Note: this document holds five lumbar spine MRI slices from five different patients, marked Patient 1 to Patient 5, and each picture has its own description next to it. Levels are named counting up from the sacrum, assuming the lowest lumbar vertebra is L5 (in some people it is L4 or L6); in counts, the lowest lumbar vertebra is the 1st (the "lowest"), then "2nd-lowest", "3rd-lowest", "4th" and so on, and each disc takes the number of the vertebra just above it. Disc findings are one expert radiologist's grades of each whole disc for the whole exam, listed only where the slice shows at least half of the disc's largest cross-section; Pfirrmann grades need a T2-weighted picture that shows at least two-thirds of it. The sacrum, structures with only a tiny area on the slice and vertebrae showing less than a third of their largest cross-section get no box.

Patient 1 of 5:
Sex F | T2-weighted sagittal MRI of the lumbar spine

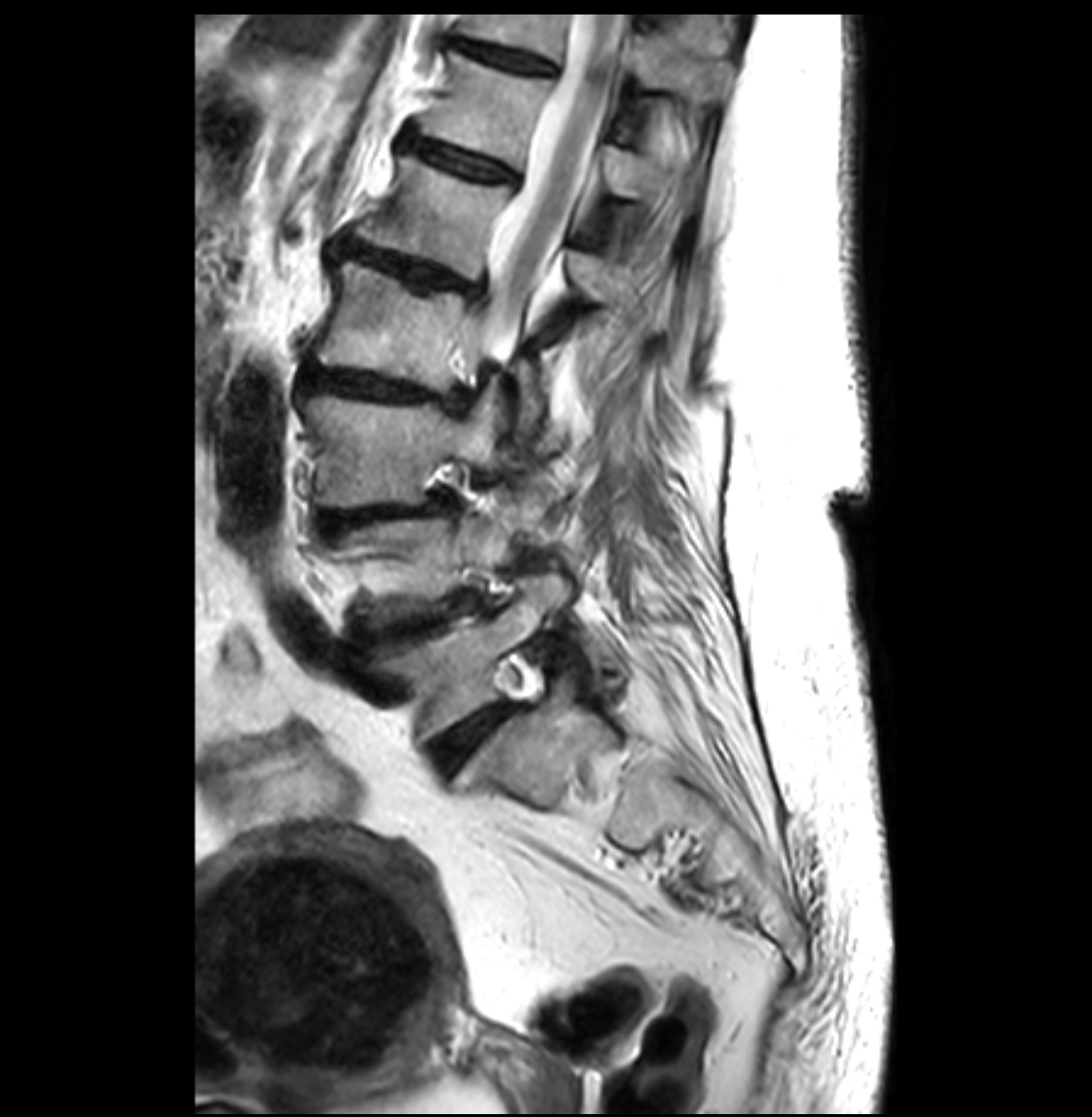
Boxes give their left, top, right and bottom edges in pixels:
Lowest vertebra — left=371, top=576, right=567, bottom=741.
3rd-lowest vertebra — left=300, top=394, right=501, bottom=508.
6th disc — left=405, top=134, right=513, bottom=180.
2nd-lowest vertebra — left=329, top=490, right=540, bottom=630.
6th vertebra — left=419, top=51, right=696, bottom=207.
Lowest disc — left=429, top=703, right=508, bottom=772.
5th disc — left=347, top=244, right=477, bottom=292.
3rd-lowest disc — left=319, top=495, right=452, bottom=531.
2nd-lowest disc — left=356, top=597, right=474, bottom=646.
4th vertebra — left=312, top=260, right=543, bottom=433.
5th vertebra — left=356, top=155, right=633, bottom=302.
7th disc — left=458, top=43, right=553, bottom=72.
4th disc — left=302, top=364, right=470, bottom=403.
7th vertebra — left=461, top=14, right=730, bottom=103.
Thecal sac / spinal canal — left=466, top=15, right=625, bottom=381.

Degenerative findings by level:
  5th disc: disc narrowing, disc bulging, upper-endplate change, lower-endplate change
  4th disc: Pfirrmann grade 4, disc bulging, disc narrowing, lower-endplate change, upper-endplate change
  6th disc: disc bulging, disc narrowing
  2nd-lowest disc: disc narrowing, disc bulging
  7th disc: Pfirrmann grade 4, disc narrowing
  3rd-lowest disc: disc bulging, spondylolisthesis, disc narrowing
  lowest disc: no spondylolisthesis, narrowing, bulging, herniation, Modic or endplate change recorded

Patient 2 of 5:
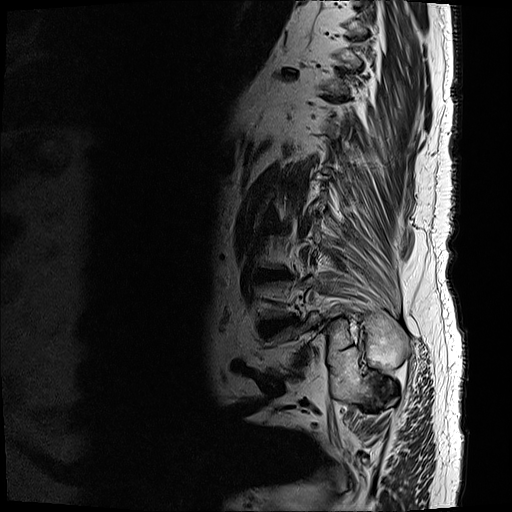 Sagittal slice index 0, MRI lumbar spine (T2-weighted), sagittal plane, Slice spacing 3.3 mm, Sex M
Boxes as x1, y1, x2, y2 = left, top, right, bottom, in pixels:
8th disc: 281, 68, 299, 79
3rd-lowest disc: 259, 270, 290, 280
2nd-lowest disc: 260, 317, 299, 339

Patient 3 of 5:
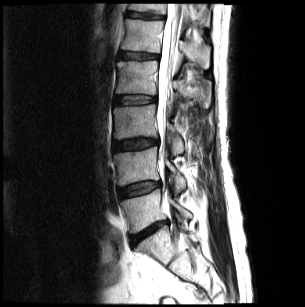 Slice 11 of 24, Field of view 264x266 mm, slice spacing 4.7 mm, MRI lumbar spine (T2-weighted), sagittal plane
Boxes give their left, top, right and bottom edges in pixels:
* 4th vertebra — left=115, top=61, right=210, bottom=106
* 6th vertebra — left=128, top=4, right=210, bottom=26
* lowest vertebra — left=120, top=189, right=191, bottom=232
* thecal sac / spinal canal — left=157, top=4, right=182, bottom=130
* lowest disc — left=131, top=222, right=166, bottom=241
* 2nd-lowest disc — left=119, top=181, right=160, bottom=196
* 2nd-lowest vertebra — left=113, top=146, right=185, bottom=193
* 3rd-lowest disc — left=113, top=138, right=157, bottom=151
* 3rd-lowest vertebra — left=113, top=104, right=183, bottom=154
* 4th disc — left=115, top=95, right=155, bottom=103
* 5th disc — left=119, top=52, right=158, bottom=60
* 6th disc — left=127, top=13, right=163, bottom=18
* 5th vertebra — left=121, top=19, right=209, bottom=67

Degenerative findings by level:
  5th disc: Pfirrmann grade 2, Modic type II, upper-endplate change, lower-endplate change
  lowest disc: Pfirrmann grade 5, disc narrowing, Modic type II, disc bulging, disc herniation
  2nd-lowest disc: Pfirrmann grade 2, disc bulging
  3rd-lowest disc: Pfirrmann grade 3, disc bulging, upper-endplate change
  6th disc: Pfirrmann grade 3, upper-endplate change, lower-endplate change
  4th disc: Pfirrmann grade 2, Modic type II

Patient 4 of 5:
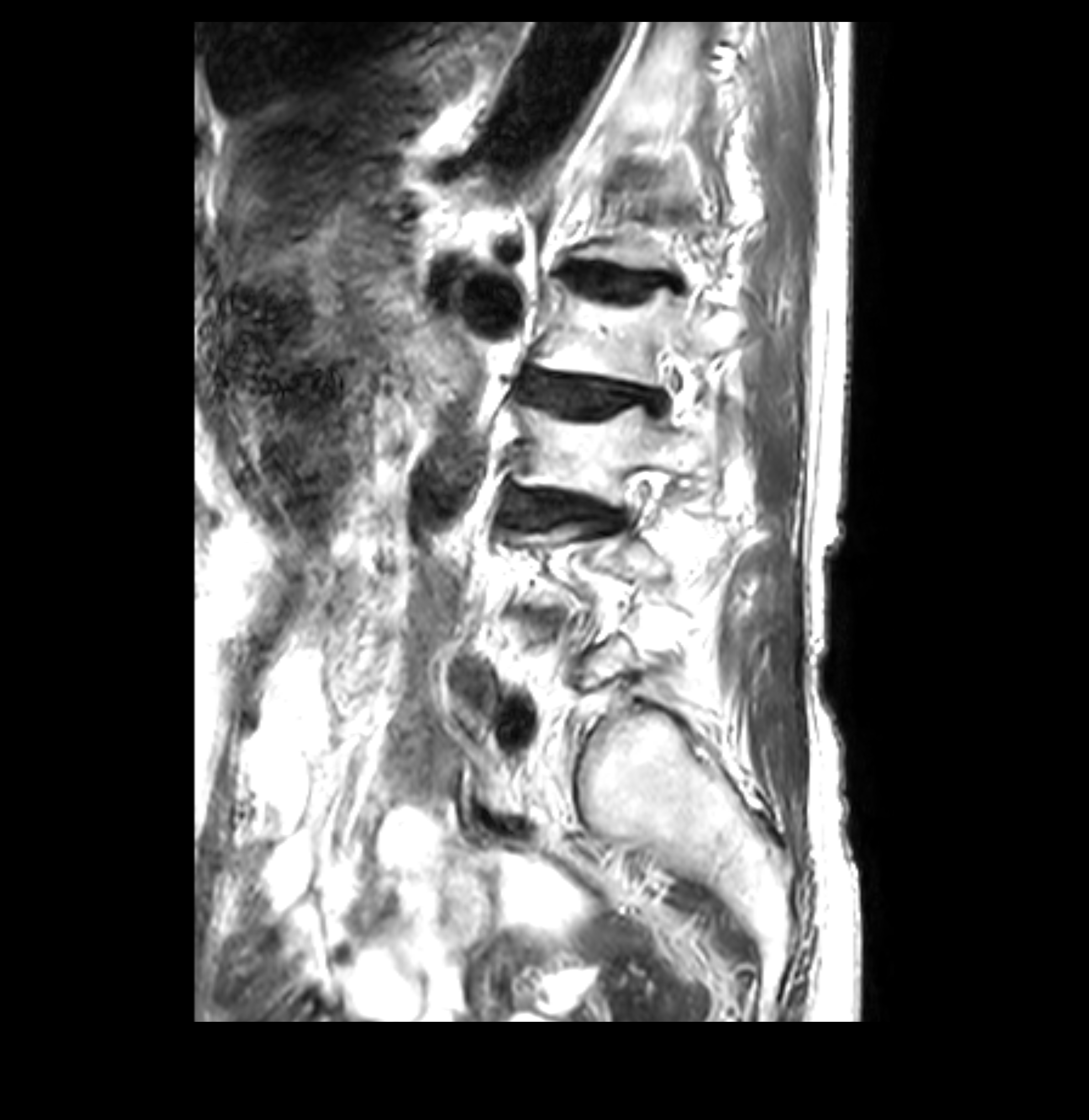
Sagittal T2-weighted lumbar spine MRI, Slice 25/36

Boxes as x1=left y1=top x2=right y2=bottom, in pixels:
L2 (4th vertebra) — x1=532 y1=282 x2=751 y2=384.
L2/L3 (4th disc) — x1=520 y1=373 x2=666 y2=412.
L3 (3rd-lowest vertebra) — x1=510 y1=402 x2=710 y2=506.
L1/L2 (5th disc) — x1=567 y1=265 x2=678 y2=297.
IVD L3/L4 (3rd-lowest disc) — x1=505 y1=492 x2=624 y2=525.

Per-level radiological findings:
- L3/L4 (3rd-lowest disc): upper-endplate change, Modic type II, lower-endplate change, disc narrowing, disc bulging
- L2/L3 (4th disc): Pfirrmann grade 3, disc bulging, upper-endplate change, Modic type II, lower-endplate change, disc narrowing

Patient 5 of 5:
Lumbar spine MR, T1-weighted, sagittal. Slice 18/24. Sex F. 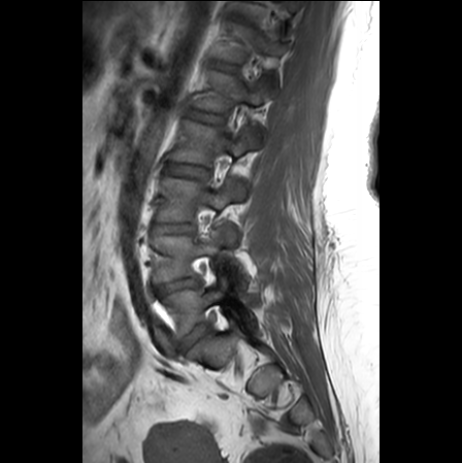

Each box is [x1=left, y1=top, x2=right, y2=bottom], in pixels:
L3: [x1=157, y1=178, x2=245, y2=220]
T12: [x1=211, y1=24, x2=285, y2=61]
L4: [x1=153, y1=224, x2=238, y2=282]
L2/L3: [x1=166, y1=162, x2=208, y2=177]
L5: [x1=164, y1=282, x2=253, y2=336]
intervertebral disc L1/L2: [x1=188, y1=109, x2=221, y2=122]
intervertebral disc L5/S1: [x1=180, y1=323, x2=207, y2=350]
intervertebral disc L4/L5: [x1=156, y1=276, x2=198, y2=294]
L2: [x1=171, y1=121, x2=258, y2=165]
intervertebral disc L3/L4: [x1=153, y1=223, x2=194, y2=233]
T12/L1: [x1=212, y1=59, x2=238, y2=71]
L1 vertebra: [x1=196, y1=71, x2=276, y2=111]

Radiological gradings:
- L4/L5: disc narrowing, disc bulging
- L3/L4, L1/L2, T12/L1, L2/L3: no herniation, bulging, narrowing, spondylolisthesis, endplate or Modic change recorded